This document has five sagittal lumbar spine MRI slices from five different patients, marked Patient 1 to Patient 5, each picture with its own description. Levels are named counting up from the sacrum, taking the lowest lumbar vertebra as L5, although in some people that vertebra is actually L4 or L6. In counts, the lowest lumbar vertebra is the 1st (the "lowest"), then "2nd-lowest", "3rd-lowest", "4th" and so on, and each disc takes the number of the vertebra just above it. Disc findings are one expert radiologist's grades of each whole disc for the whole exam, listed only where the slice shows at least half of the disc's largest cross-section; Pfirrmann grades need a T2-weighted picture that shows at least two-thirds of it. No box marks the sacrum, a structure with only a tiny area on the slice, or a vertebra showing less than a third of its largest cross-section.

Patient 1 of 5:
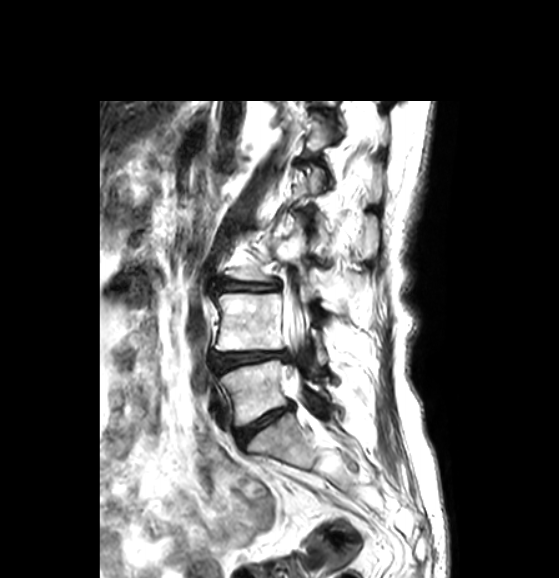
MRI lumbar spine (T2-weighted), sagittal plane. Sagittal slice index 22. Sex F. 559x578 px. Field of view 280x289 mm, slice spacing 3.3 mm.
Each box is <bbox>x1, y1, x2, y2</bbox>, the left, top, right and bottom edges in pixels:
Disc L5/S1 (lowest disc) — <bbox>236, 405, 291, 443</bbox>.
Disc L3/L4 (3rd-lowest disc) — <bbox>221, 279, 279, 290</bbox>.
Spinal canal — <bbox>282, 285, 307, 388</bbox>.
L4 (2nd-lowest vertebra) — <bbox>216, 292, 327, 364</bbox>.
L3 (3rd-lowest vertebra) — <bbox>226, 223, 370, 310</bbox>.
L4/L5 (2nd-lowest disc) — <bbox>212, 351, 286, 371</bbox>.
L5 (lowest vertebra) — <bbox>218, 359, 327, 425</bbox>.

Expert MSK radiologist gradings (per disc):
- L3/L4 (3rd-lowest disc): disc bulging, disc narrowing
- L5/S1 (lowest disc): Pfirrmann grade 3, disc bulging, disc narrowing
- L4/L5 (2nd-lowest disc): Pfirrmann grade 3, disc bulging

Patient 2 of 5:
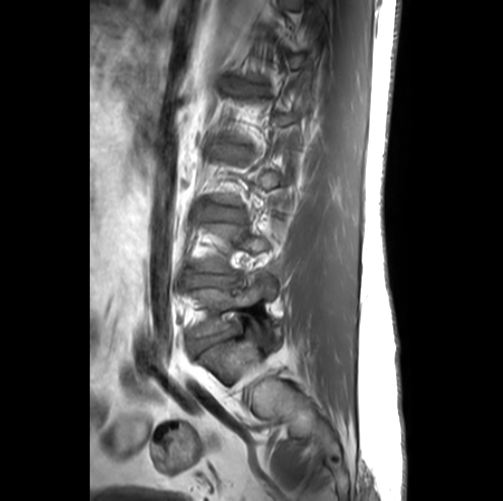
MRI lumbar spine (T1-weighted), sagittal plane.
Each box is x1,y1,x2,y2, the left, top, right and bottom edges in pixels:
Structures:
- lowest vertebra — 189,281,280,339
- lowest disc — 191,328,234,353
- 3rd-lowest disc — 206,206,244,222
- 2nd-lowest disc — 189,273,238,285
- 4th disc — 212,146,251,157

Expert MSK radiologist gradings (per disc):
  4th disc: no spondylolisthesis, narrowing, bulging, herniation, Modic or endplate change recorded

Patient 3 of 5:
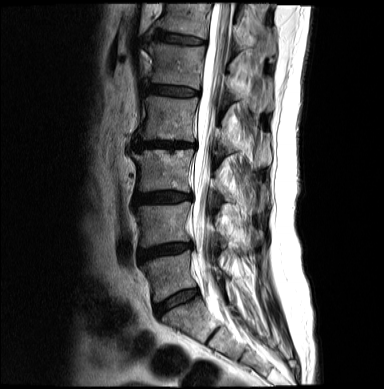
T2-weighted sagittal MRI of the lumbar spine | Slice 8/19

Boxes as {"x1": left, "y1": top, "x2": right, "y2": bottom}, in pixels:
{"L5 vertebra": {"x1": 141, "y1": 251, "x2": 227, "y2": 301}, "disc L4/L5": {"x1": 138, "y1": 243, "x2": 191, "y2": 261}, "disc L5/S1": {"x1": 155, "y1": 290, "x2": 198, "y2": 315}, "T12": {"x1": 156, "y1": 3, "x2": 275, "y2": 56}, "L2 vertebra": {"x1": 137, "y1": 96, "x2": 271, "y2": 168}, "L3 vertebra": {"x1": 131, "y1": 149, "x2": 255, "y2": 201}, "L4 vertebra": {"x1": 136, "y1": 202, "x2": 261, "y2": 246}, "L2/L3": {"x1": 134, "y1": 139, "x2": 194, "y2": 150}, "L1/L2": {"x1": 143, "y1": 84, "x2": 198, "y2": 96}, "T12/L1": {"x1": 153, "y1": 31, "x2": 205, "y2": 44}, "L1": {"x1": 146, "y1": 43, "x2": 272, "y2": 111}, "L3/L4": {"x1": 134, "y1": 191, "x2": 191, "y2": 205}, "thecal sac / spinal canal": {"x1": 193, "y1": 3, "x2": 232, "y2": 238}}

Per-level radiological findings:
• T12/L1: Pfirrmann grade 3
• L2/L3: Pfirrmann grade 4, disc narrowing, Modic type II, lower-endplate change, disc bulging, upper-endplate change
• L5/S1: Pfirrmann grade 3
• L4/L5: Pfirrmann grade 4, disc narrowing, disc bulging, lower-endplate change
• L3/L4: Pfirrmann grade 4, disc bulging
• L1/L2: Pfirrmann grade 3, upper-endplate change, lower-endplate change

Patient 4 of 5:
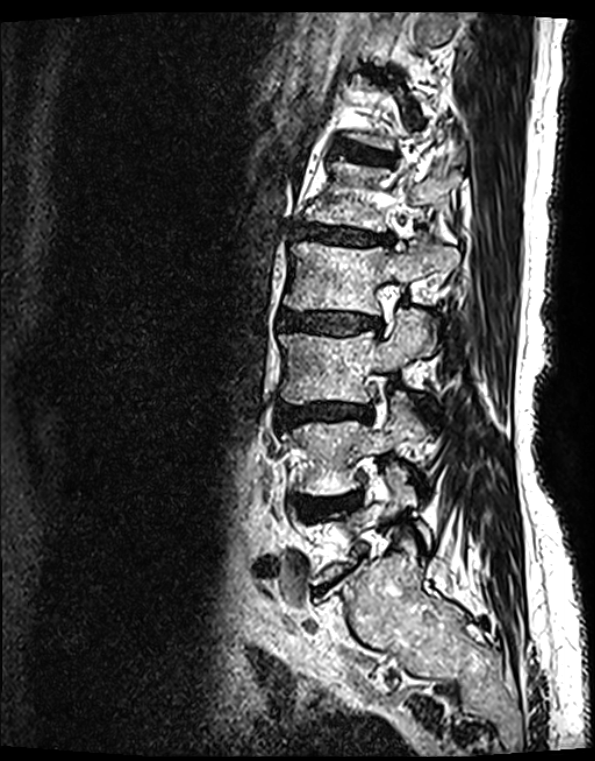

Image 595x761; Field of view 240x307 mm; T2 SPACE (3D) sagittal MRI of the lumbar spine

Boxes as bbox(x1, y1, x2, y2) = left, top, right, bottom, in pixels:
Annotations:
- L3 (3rd-lowest vertebra) = bbox(280, 310, 431, 403)
- L4/L5 (2nd-lowest disc) = bbox(296, 492, 359, 518)
- L4 (2nd-lowest vertebra) = bbox(283, 393, 423, 495)
- L2 (4th vertebra) = bbox(284, 235, 459, 315)
- L1/L2 (5th disc) = bbox(296, 227, 387, 244)
- L1 (5th vertebra) = bbox(307, 163, 461, 232)
- IVD L2/L3 (4th disc) = bbox(280, 313, 377, 334)
- L3/L4 (3rd-lowest disc) = bbox(274, 403, 371, 429)
- T12/L1 (6th disc) = bbox(343, 149, 380, 161)

Expert MSK radiologist gradings (per disc):
• L1/L2 (5th disc): Pfirrmann grade 4, Modic type II, disc bulging, lower-endplate change, disc narrowing, upper-endplate change
• L2/L3 (4th disc): Pfirrmann grade 4, Modic type II, upper-endplate change, lower-endplate change, disc bulging, disc narrowing
• L3/L4 (3rd-lowest disc): Pfirrmann grade 4, Modic type II, disc bulging, upper-endplate change, lower-endplate change, disc narrowing
• L4/L5 (2nd-lowest disc): disc bulging, upper-endplate change, disc herniation, lower-endplate change, disc narrowing, Modic type II

Patient 5 of 5:
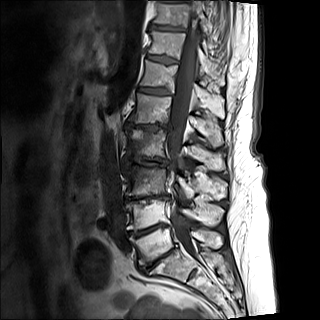 Sagittal T1-weighted lumbar spine MRI
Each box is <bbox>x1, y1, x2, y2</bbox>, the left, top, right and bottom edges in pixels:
* 8th vertebra = <bbox>154, 1, 210, 35</bbox>
* 2nd-lowest vertebra = <bbox>126, 199, 223, 230</bbox>
* 4th disc = <bbox>131, 158, 168, 166</bbox>
* 3rd-lowest vertebra = <bbox>123, 165, 226, 199</bbox>
* 7th vertebra = <bbox>149, 31, 224, 83</bbox>
* 6th vertebra = <bbox>140, 60, 224, 118</bbox>
* 5th vertebra = <bbox>129, 93, 223, 146</bbox>
* 2nd-lowest disc = <bbox>128, 223, 168, 236</bbox>
* 3rd-lowest disc = <bbox>125, 195, 168, 202</bbox>
* 4th vertebra = <bbox>126, 129, 225, 170</bbox>
* thecal sac / spinal canal = <bbox>168, 5, 198, 244</bbox>
* lowest disc = <bbox>140, 248, 174, 270</bbox>
* 6th disc = <bbox>138, 87, 169, 94</bbox>
* 7th disc = <bbox>147, 55, 177, 63</bbox>
* 5th disc = <bbox>127, 123, 166, 131</bbox>
* lowest vertebra = <bbox>129, 227, 222, 265</bbox>
* 8th disc = <bbox>150, 25, 184, 31</bbox>

Expert MSK radiologist gradings (per disc):
  3rd-lowest disc: upper-endplate change, Modic type II, disc bulging, disc narrowing, lower-endplate change
  4th disc: upper-endplate change, Modic type I, lower-endplate change, disc bulging, disc narrowing
  7th disc: upper-endplate change
  2nd-lowest disc: disc narrowing, disc bulging, upper-endplate change, Modic type II, lower-endplate change
  lowest disc: disc narrowing, upper-endplate change, Modic type II, lower-endplate change, disc bulging
  5th disc: disc bulging, upper-endplate change, Modic type I, lower-endplate change, disc narrowing
  8th disc: upper-endplate change
  6th disc: no spondylolisthesis, narrowing, bulging, herniation, Modic or endplate change recorded